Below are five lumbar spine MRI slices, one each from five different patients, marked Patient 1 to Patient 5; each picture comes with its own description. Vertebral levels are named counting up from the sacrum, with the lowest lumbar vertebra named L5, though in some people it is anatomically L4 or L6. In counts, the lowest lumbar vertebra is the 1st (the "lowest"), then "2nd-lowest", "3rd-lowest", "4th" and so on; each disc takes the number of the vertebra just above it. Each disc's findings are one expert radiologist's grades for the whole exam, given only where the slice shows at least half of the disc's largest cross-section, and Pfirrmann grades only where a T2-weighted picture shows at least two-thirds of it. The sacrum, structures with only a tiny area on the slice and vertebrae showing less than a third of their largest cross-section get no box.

Patient 1 of 5:
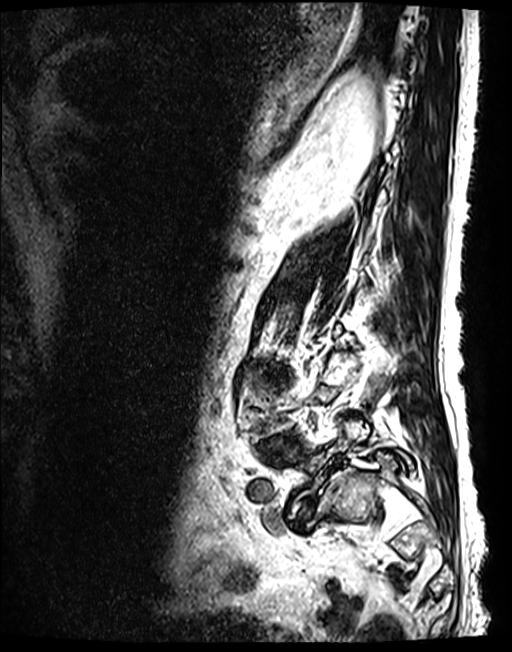 MRI lumbar spine (T2 SPACE (3D)), sagittal plane; Slice 103 of 143; Image 512x652
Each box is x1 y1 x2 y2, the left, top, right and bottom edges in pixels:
2nd-lowest disc — 262 435 292 458.
Lowest disc — 293 497 317 529.
Lowest vertebra — 291 420 413 517.

Patient 2 of 5:
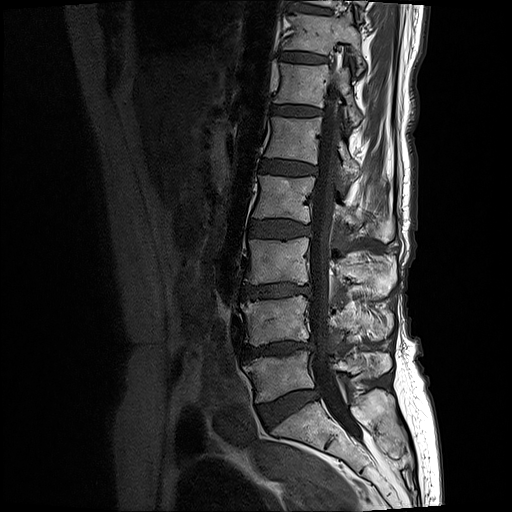 T1-weighted sagittal MRI of the lumbar spine. 512x512 px.

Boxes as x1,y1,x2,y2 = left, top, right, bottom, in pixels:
6th disc: 272,105,321,116.
5th disc: 261,160,317,176.
Lowest disc: 259,390,318,425.
Lowest vertebra: 244,350,392,401.
5th vertebra: 265,115,388,180.
4th disc: 252,220,311,238.
2nd-lowest disc: 243,341,314,359.
4th vertebra: 254,174,395,242.
7th disc: 281,53,326,62.
3rd-lowest vertebra: 245,238,397,297.
3rd-lowest disc: 242,283,312,297.
6th vertebra: 274,62,363,125.
7th vertebra: 283,10,366,73.
8th disc: 293,3,330,13.
Thecal sac / spinal canal: 309,66,362,440.
2nd-lowest vertebra: 241,295,393,345.

Expert MSK radiologist gradings (per disc):
- 8th disc: upper-endplate change, lower-endplate change
- 7th disc: upper-endplate change, lower-endplate change, Modic type II
- 4th disc: upper-endplate change, lower-endplate change, Modic type II, disc bulging
- lowest disc: disc bulging
- 6th disc: lower-endplate change, upper-endplate change, Modic type II
- 2nd-lowest disc: disc bulging, disc narrowing, lower-endplate change, Modic type II, upper-endplate change
- 3rd-lowest disc: disc narrowing, disc bulging, upper-endplate change, lower-endplate change, Modic type II
- 5th disc: Modic type II, lower-endplate change, upper-endplate change

Patient 3 of 5:
Slice 26 of 120, SIEMENS Avanto_fit (1.5T), Lumbar spine MR, T2 SPACE (3D), sagittal, 512x640 px

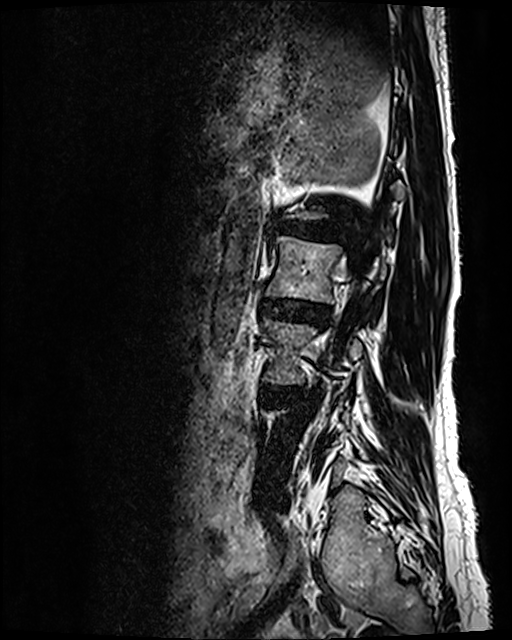

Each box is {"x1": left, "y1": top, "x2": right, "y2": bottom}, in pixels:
L2 vertebra at {"x1": 266, "y1": 236, "x2": 387, "y2": 303}, disc L3/L4 at {"x1": 265, "y1": 387, "x2": 297, "y2": 393}, L2/L3 at {"x1": 261, "y1": 298, "x2": 329, "y2": 322}, disc L1/L2 at {"x1": 281, "y1": 219, "x2": 336, "y2": 238}.

Degenerative findings by level:
• L1/L2: Pfirrmann grade 5, upper-endplate change, disc bulging, lower-endplate change, disc narrowing, Modic type II
• L2/L3: Pfirrmann grade 3, disc narrowing, disc bulging

Patient 4 of 5:
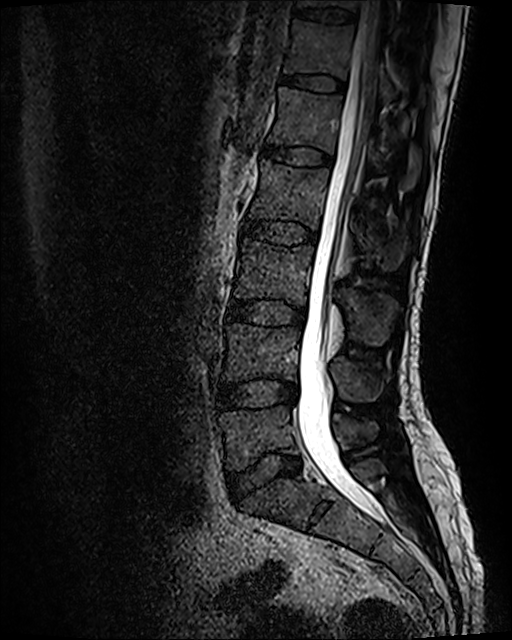
Patient sex: M | T2 SPACE (3D) sagittal MRI of the lumbar spine

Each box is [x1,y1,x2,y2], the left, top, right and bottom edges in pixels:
Lowest disc: [227,451,300,500].
3rd-lowest disc: [229,300,305,325].
2nd-lowest disc: [219,377,297,409].
6th disc: [281,75,345,91].
4th disc: [241,219,316,245].
2nd-lowest vertebra: [223,324,380,401].
5th disc: [261,145,331,165].
Thecal sac / spinal canal: [299,1,381,519].
4th vertebra: [249,159,406,269].
7th vertebra: [297,0,396,28].
5th vertebra: [267,87,421,187].
6th vertebra: [284,19,393,103].
7th disc: [293,7,356,23].
Lowest vertebra: [220,405,377,471].
3rd-lowest vertebra: [234,237,395,345].

Degenerative findings by level:
- 3rd-lowest disc: Pfirrmann grade 2, disc bulging
- 2nd-lowest disc: Pfirrmann grade 2, disc bulging
- 5th disc: Pfirrmann grade 2
- 4th disc: Pfirrmann grade 2
- 6th disc: Pfirrmann grade 2
- lowest disc: Pfirrmann grade 2, disc bulging
- 7th disc: Pfirrmann grade 2

Patient 5 of 5:
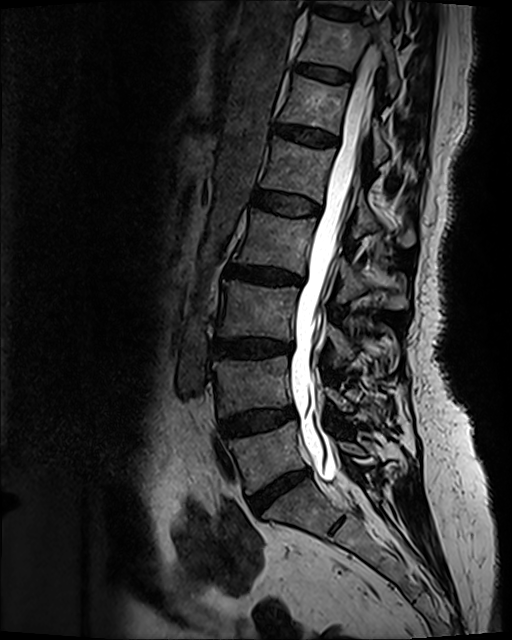 T2 SPACE (3D) sagittal MRI of the lumbar spine | 512x640 px | Sagittal slice index 53

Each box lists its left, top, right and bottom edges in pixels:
{"L4 vertebra": "left=213, top=355, right=380, bottom=422", "L5 vertebra": "left=230, top=422, right=363, bottom=494", "L3/L4": "left=212, top=339, right=291, bottom=355", "disc T11/T12": "left=296, top=64, right=351, bottom=81", "L4/L5": "left=221, top=406, right=295, bottom=437", "L2": "left=233, top=209, right=407, bottom=309", "L1 vertebra": "left=261, top=137, right=414, bottom=247", "L3 vertebra": "left=218, top=281, right=388, bottom=367", "disc T12/L1": "left=274, top=124, right=337, bottom=146", "disc L2/L3": "left=226, top=266, right=300, bottom=283", "T11": "left=299, top=16, right=398, bottom=96", "disc L1/L2": "left=253, top=191, right=319, bottom=215", "disc L5/S1": "left=250, top=471, right=307, bottom=514", "T12 vertebra": "left=279, top=75, right=425, bottom=165", "spinal canal": "left=289, top=45, right=379, bottom=501", "disc T10/T11": "left=313, top=3, right=357, bottom=19"}

Per-level radiological findings:
  L3/L4: Pfirrmann grade 4, lower-endplate change, upper-endplate change, disc bulging, disc narrowing, Modic type II
  L1/L2: Pfirrmann grade 2
  L5/S1: Pfirrmann grade 4, disc bulging, disc narrowing
  T12/L1: Pfirrmann grade 3, disc bulging
  T11/T12: Pfirrmann grade 2
  L4/L5: Pfirrmann grade 3, disc bulging
  L2/L3: Pfirrmann grade 4, Modic type II, disc bulging, upper-endplate change, disc narrowing, lower-endplate change
  T10/T11: no Modic or endplate change, herniation, narrowing, bulging or spondylolisthesis recorded